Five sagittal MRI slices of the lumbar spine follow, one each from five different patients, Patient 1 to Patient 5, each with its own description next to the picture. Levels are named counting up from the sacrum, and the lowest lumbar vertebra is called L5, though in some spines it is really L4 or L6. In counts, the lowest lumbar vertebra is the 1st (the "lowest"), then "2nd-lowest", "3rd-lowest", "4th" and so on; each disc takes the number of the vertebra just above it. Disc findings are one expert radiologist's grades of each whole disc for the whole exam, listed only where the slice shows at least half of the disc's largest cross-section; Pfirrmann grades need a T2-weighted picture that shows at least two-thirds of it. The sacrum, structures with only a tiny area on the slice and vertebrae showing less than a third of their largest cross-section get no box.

Patient 1 of 5:
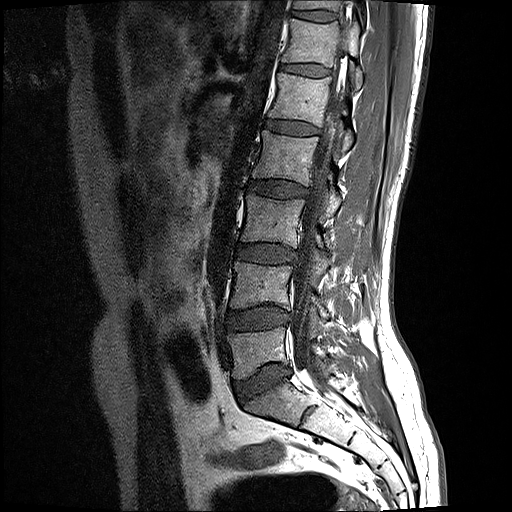

512x512 px, Field of view 300x300 mm, T1-weighted sagittal MRI of the lumbar spine, Sex M
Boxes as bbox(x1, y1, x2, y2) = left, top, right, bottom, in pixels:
Structures:
• L5 — bbox(226, 326, 327, 379)
• L1 vertebra — bbox(268, 73, 353, 150)
• spinal canal — bbox(291, 37, 347, 393)
• L2 vertebra — bbox(252, 130, 342, 215)
• intervertebral disc T11/T12 — bbox(292, 11, 336, 21)
• T12 — bbox(282, 19, 363, 90)
• intervertebral disc L5/S1 — bbox(233, 364, 291, 404)
• intervertebral disc L3/L4 — bbox(236, 243, 296, 263)
• L4 vertebra — bbox(230, 261, 328, 319)
• T11 — bbox(294, 0, 365, 22)
• L2/L3 — bbox(248, 180, 307, 198)
• T12/L1 — bbox(280, 64, 330, 76)
• L3 vertebra — bbox(241, 192, 362, 269)
• intervertebral disc L4/L5 — bbox(226, 306, 290, 329)
• intervertebral disc L1/L2 — bbox(265, 120, 319, 135)

Degenerative findings by level:
- L3/L4: disc bulging
- L4/L5: disc bulging
- L5/S1: disc bulging
- T12/L1, T11/T12, L2/L3, L1/L2: no herniation, bulging, narrowing, spondylolisthesis, endplate or Modic change recorded

Patient 2 of 5:
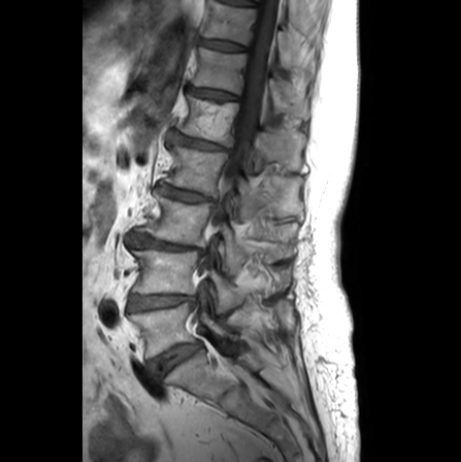
Slice 15 of 24. T1-weighted sagittal MRI of the lumbar spine.
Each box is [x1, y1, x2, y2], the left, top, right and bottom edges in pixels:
T12 — [192, 47, 309, 118].
Intervertebral disc L2/L3 — [159, 184, 214, 201].
L4/L5 — [128, 294, 195, 310].
T11 vertebra — [203, 0, 299, 67].
L1 vertebra — [177, 94, 306, 169].
T12/L1 — [188, 86, 237, 100].
Spinal canal — [215, 0, 279, 227].
L4 — [131, 248, 243, 312].
Intervertebral disc L5/S1 — [149, 342, 201, 376].
L2 vertebra — [164, 142, 304, 218].
Intervertebral disc L3/L4 — [127, 232, 203, 253].
Intervertebral disc L1/L2 — [169, 131, 230, 150].
L5 vertebra — [129, 284, 233, 357].
L3 vertebra — [134, 193, 297, 272].
Intervertebral disc T11/T12 — [200, 38, 246, 51].

Expert MSK radiologist gradings (per disc):
- L5/S1: Modic type II
- L1/L2: disc narrowing, upper-endplate change, lower-endplate change, disc bulging
- L4/L5: disc narrowing, Modic type II
- L2/L3: lower-endplate change, upper-endplate change, disc narrowing
- T12/L1: upper-endplate change
- L3/L4: upper-endplate change, disc narrowing, Modic type II, lower-endplate change
- T11/T12: no herniation, bulging, narrowing, spondylolisthesis, endplate or Modic change recorded

Patient 3 of 5:
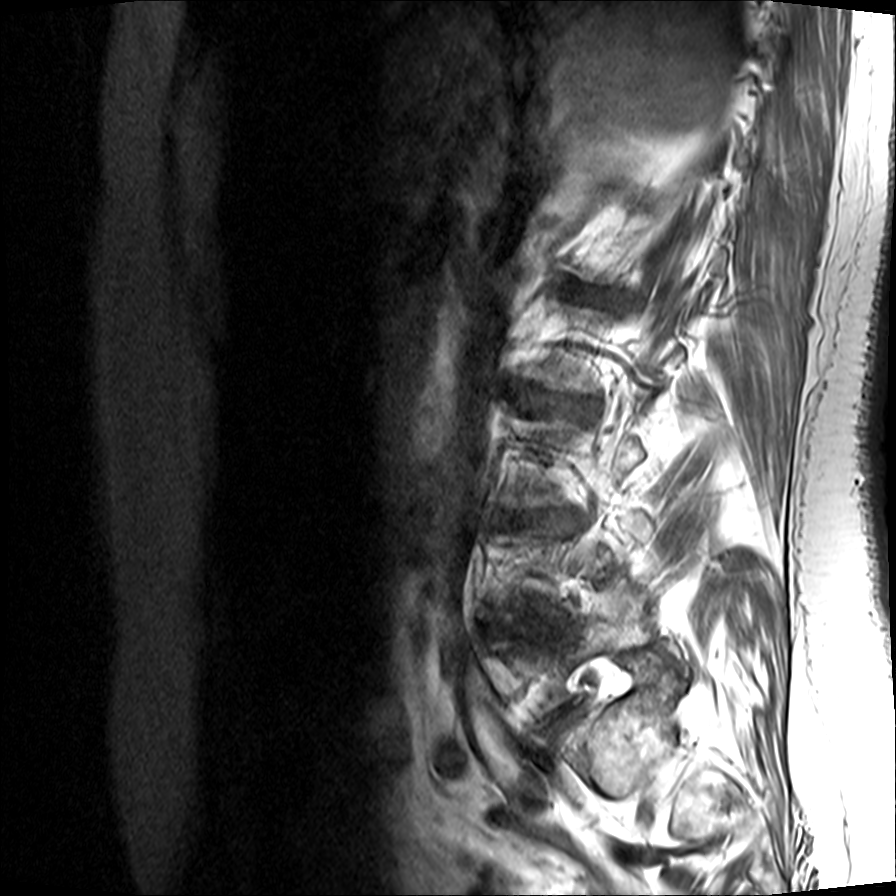 Image 896x896, T1-weighted sagittal MRI of the lumbar spine, Patient sex: F

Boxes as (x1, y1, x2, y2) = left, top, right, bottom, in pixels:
L3/L4 — (529, 512, 577, 528).
Disc L5/S1 — (557, 707, 581, 728).
L2/L3 — (521, 391, 576, 411).

Patient 4 of 5:
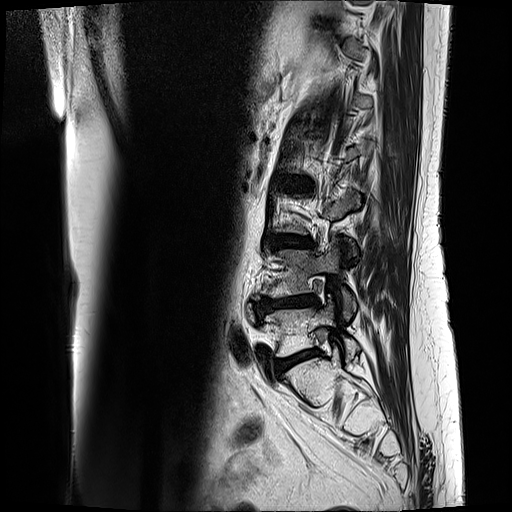

512x512 px. Sagittal T2-weighted lumbar spine MRI.
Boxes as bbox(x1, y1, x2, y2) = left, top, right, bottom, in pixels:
L3/L4 at bbox(270, 236, 314, 247); disc L5/S1 at bbox(275, 350, 320, 375); L2/L3 at bbox(279, 178, 313, 189); L4/L5 at bbox(255, 294, 319, 315); L5 at bbox(264, 301, 360, 357); L4 at bbox(255, 238, 356, 319).

Per-level radiological findings:
  L4/L5: Pfirrmann grade 4, Modic type II, upper-endplate change, disc narrowing, disc bulging, lower-endplate change
  L3/L4: disc bulging, Modic type II

Patient 5 of 5:
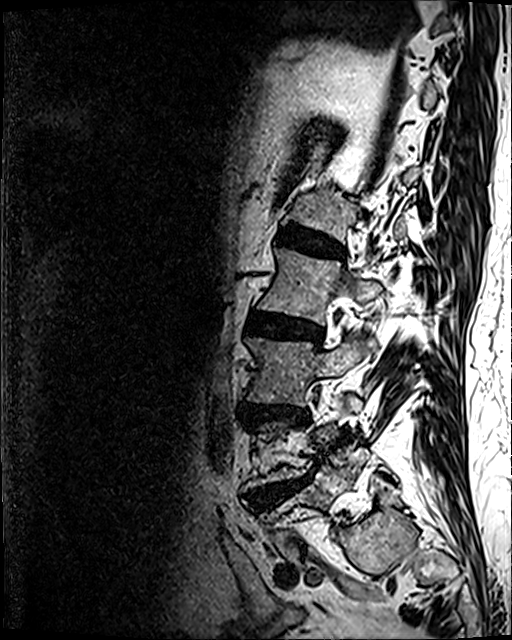 Slice 35/120 | Lumbar spine MR, T2 SPACE (3D), sagittal | Patient sex: M

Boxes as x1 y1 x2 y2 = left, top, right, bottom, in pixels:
Segmented structures:
- L4/L5: 247 475 309 510
- L3 vertebra: 246 332 377 405
- disc L3/L4: 250 406 308 424
- L2: 258 248 382 324
- L5 vertebra: 282 452 366 510
- L1: 290 193 406 240
- L2/L3: 247 312 322 341
- L1/L2: 279 226 343 258

Per-level radiological findings:
  L1/L2: Pfirrmann grade 4, disc bulging, upper-endplate change, disc narrowing, lower-endplate change
  L4/L5: Pfirrmann grade 5, lower-endplate change, disc bulging, Modic type II, disc narrowing, upper-endplate change, disc herniation
  L3/L4: disc bulging, disc narrowing, lower-endplate change, upper-endplate change
  L2/L3: Pfirrmann grade 4, disc bulging, lower-endplate change, upper-endplate change, Modic type II, disc narrowing